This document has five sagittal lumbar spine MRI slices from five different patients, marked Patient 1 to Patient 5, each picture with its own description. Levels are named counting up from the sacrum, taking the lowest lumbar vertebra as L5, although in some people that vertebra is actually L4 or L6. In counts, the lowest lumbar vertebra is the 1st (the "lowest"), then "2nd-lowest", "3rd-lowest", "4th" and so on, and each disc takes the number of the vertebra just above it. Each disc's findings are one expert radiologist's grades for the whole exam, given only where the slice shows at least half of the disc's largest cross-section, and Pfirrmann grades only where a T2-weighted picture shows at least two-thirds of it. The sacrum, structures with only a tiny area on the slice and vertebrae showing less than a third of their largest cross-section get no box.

Patient 1 of 5:
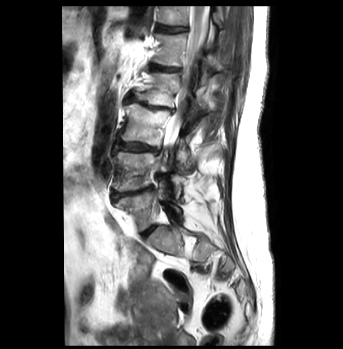
Patient sex: F. Slice 20/43. T2-weighted sagittal MRI of the lumbar spine.

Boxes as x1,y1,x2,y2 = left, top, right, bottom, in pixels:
6th vertebra — 158,6,222,27 | 5th vertebra — 153,33,225,84 | spinal canal — 164,6,208,148 | 6th disc — 156,23,188,32 | 2nd-lowest vertebra — 114,151,180,197 | lowest vertebra — 115,183,180,230 | 3rd-lowest disc — 112,140,158,154 | 3rd-lowest vertebra — 119,103,191,169 | 4th disc — 126,94,173,112 | 5th disc — 150,63,180,72 | 4th vertebra — 135,71,213,109 | 2nd-lowest disc — 112,185,152,200

Per-level radiological findings:
  3rd-lowest disc: Pfirrmann grade 3, disc bulging, Modic type II
  6th disc: Pfirrmann grade 1, upper-endplate change
  2nd-lowest disc: Modic type II, disc bulging, lower-endplate change, disc narrowing

Patient 2 of 5:
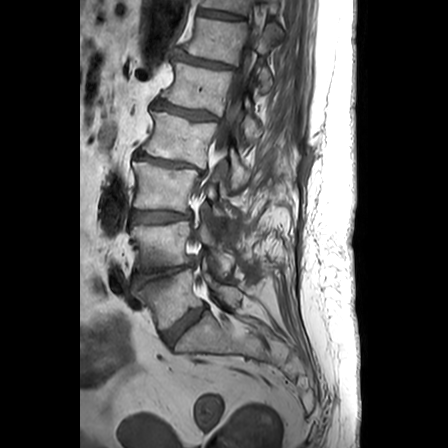 T1-weighted sagittal MRI of the lumbar spine; Slice 16 of 24

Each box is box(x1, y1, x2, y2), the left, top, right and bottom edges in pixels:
{"6th disc": "box(175, 54, 232, 69)", "2nd-lowest vertebra": "box(130, 212, 235, 276)", "5th vertebra": "box(161, 62, 261, 140)", "lowest disc": "box(162, 306, 206, 345)", "6th vertebra": "box(184, 18, 275, 93)", "2nd-lowest disc": "box(135, 263, 193, 283)", "3rd-lowest vertebra": "box(132, 161, 232, 231)", "thecal sac / spinal canal": "box(215, 52, 251, 152)", "3rd-lowest disc": "box(130, 211, 189, 224)", "4th disc": "box(134, 150, 204, 174)", "7th vertebra": "box(201, 0, 273, 15)", "7th disc": "box(198, 8, 242, 20)", "lowest vertebra": "box(139, 257, 242, 329)", "4th vertebra": "box(142, 110, 249, 191)", "5th disc": "box(155, 102, 216, 120)"}

Expert MSK radiologist gradings (per disc):
• 2nd-lowest disc: disc bulging, disc narrowing
• 4th disc: disc narrowing, disc bulging, spondylolisthesis, Modic type II
• 5th disc: disc narrowing, Modic type II
• 3rd-lowest disc: disc bulging
• lowest disc: disc bulging
• 6th disc: disc narrowing
• 7th disc: no spondylolisthesis, narrowing, bulging, herniation, Modic or endplate change recorded

Patient 3 of 5:
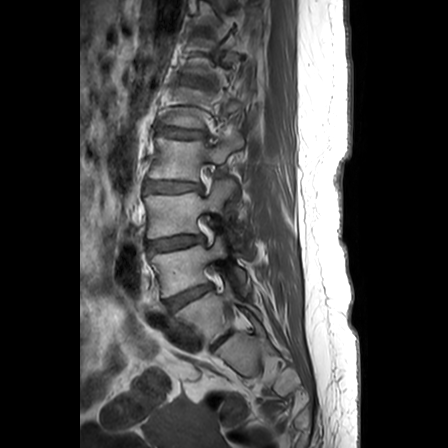 Field of view 280x280 mm | T1-weighted sagittal MRI of the lumbar spine | Slice 18/24
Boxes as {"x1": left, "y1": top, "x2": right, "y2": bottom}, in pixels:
4th disc: {"x1": 146, "y1": 181, "x2": 201, "y2": 192}
lowest vertebra: {"x1": 175, "y1": 282, "x2": 262, "y2": 345}
lowest disc: {"x1": 213, "y1": 332, "x2": 233, "y2": 347}
6th disc: {"x1": 181, "y1": 78, "x2": 206, "y2": 85}
3rd-lowest disc: {"x1": 147, "y1": 235, "x2": 203, "y2": 253}
3rd-lowest vertebra: {"x1": 145, "y1": 180, "x2": 239, "y2": 241}
5th vertebra: {"x1": 163, "y1": 87, "x2": 252, "y2": 128}
5th disc: {"x1": 159, "y1": 127, "x2": 204, "y2": 138}
2nd-lowest vertebra: {"x1": 151, "y1": 232, "x2": 249, "y2": 297}
4th vertebra: {"x1": 150, "y1": 132, "x2": 244, "y2": 180}
2nd-lowest disc: {"x1": 166, "y1": 284, "x2": 211, "y2": 310}

Radiological gradings:
• 3rd-lowest disc: upper-endplate change, lower-endplate change, disc bulging
• 2nd-lowest disc: disc bulging, disc narrowing
• 4th disc: upper-endplate change, disc bulging, lower-endplate change
• 5th disc: disc bulging, lower-endplate change, upper-endplate change

Patient 4 of 5:
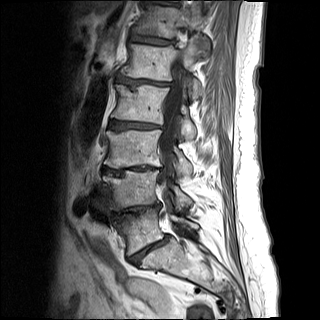
T1-weighted sagittal MRI of the lumbar spine. Slice 7 of 17. Image 320x320. Field of view 260x260 mm.
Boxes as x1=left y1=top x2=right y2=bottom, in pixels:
Spinal canal at x1=160 y1=62 x2=182 y2=182, intervertebral disc T12/L1 at x1=131 y1=35 x2=172 y2=44, L2 vertebra at x1=111 y1=85 x2=196 y2=139, L1 at x1=120 y1=38 x2=204 y2=98, L3 vertebra at x1=104 y1=130 x2=193 y2=176, intervertebral disc L1/L2 at x1=117 y1=75 x2=170 y2=86, L5 at x1=117 y1=208 x2=198 y2=255, intervertebral disc L3/L4 at x1=103 y1=166 x2=155 y2=175, intervertebral disc L2/L3 at x1=109 y1=120 x2=162 y2=130, L4 at x1=103 y1=170 x2=191 y2=210, L5/S1 at x1=129 y1=235 x2=168 y2=264, intervertebral disc L4/L5 at x1=114 y1=204 x2=159 y2=220, T12 vertebra at x1=133 y1=5 x2=209 y2=48.

Degenerative findings by level:
- T12/L1: lower-endplate change, Modic type II, disc bulging, upper-endplate change
- L5/S1: spondylolisthesis, disc narrowing, Modic type II, lower-endplate change, disc bulging, upper-endplate change
- L1/L2: upper-endplate change, lower-endplate change, disc bulging, disc narrowing, Modic type II
- L2/L3: upper-endplate change, disc narrowing, lower-endplate change, disc bulging, Modic type II
- L3/L4: disc narrowing, disc bulging, Modic type II, lower-endplate change, upper-endplate change
- L4/L5: upper-endplate change, lower-endplate change, disc bulging, disc narrowing, Modic type II

Patient 5 of 5:
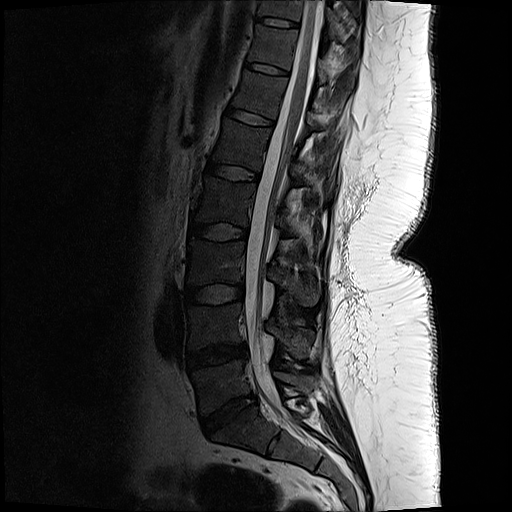 Field of view 300x300 mm. MRI lumbar spine (T2-weighted), sagittal plane.
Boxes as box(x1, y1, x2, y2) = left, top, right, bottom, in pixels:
Annotations:
• L5 vertebra = box(191, 360, 312, 414)
• disc T11/T12 = box(246, 62, 290, 77)
• T10 vertebra = box(259, 0, 344, 42)
• T11 = box(248, 25, 354, 87)
• disc T10/T11 = box(257, 18, 301, 29)
• L2/L3 = box(187, 222, 248, 241)
• L1 vertebra = box(215, 119, 335, 199)
• L2 = box(191, 176, 321, 253)
• disc L5/S1 = box(200, 394, 254, 432)
• L3 = box(187, 240, 318, 309)
• disc T12/L1 = box(225, 105, 274, 127)
• T12 = box(234, 70, 322, 129)
• L4 vertebra = box(187, 304, 311, 359)
• L4/L5 = box(183, 344, 243, 369)
• disc L1/L2 = box(199, 162, 258, 182)
• disc L3/L4 = box(184, 283, 242, 305)
• spinal canal = box(243, 1, 324, 397)

Expert MSK radiologist gradings (per disc):
  L2/L3: Pfirrmann grade 1
  T10/T11: Pfirrmann grade 1
  L4/L5: Pfirrmann grade 3, disc narrowing, disc bulging
  L1/L2: Pfirrmann grade 1
  T11/T12: Pfirrmann grade 1
  L3/L4: Pfirrmann grade 1
  L5/S1: Pfirrmann grade 4, disc narrowing, disc bulging
  T12/L1: Pfirrmann grade 1